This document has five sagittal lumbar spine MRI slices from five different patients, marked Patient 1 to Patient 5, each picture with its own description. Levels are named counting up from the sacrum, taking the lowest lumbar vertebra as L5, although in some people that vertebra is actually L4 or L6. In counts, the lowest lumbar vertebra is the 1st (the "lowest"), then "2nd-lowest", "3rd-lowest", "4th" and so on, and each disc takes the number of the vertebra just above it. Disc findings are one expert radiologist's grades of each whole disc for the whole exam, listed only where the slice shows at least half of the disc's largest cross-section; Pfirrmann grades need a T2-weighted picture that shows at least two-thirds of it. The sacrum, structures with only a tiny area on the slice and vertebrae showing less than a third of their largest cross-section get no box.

Patient 1 of 5:
Sagittal slice index 19. Image 448x448. Sagittal T1-weighted lumbar spine MRI. Field of view 280x280 mm.
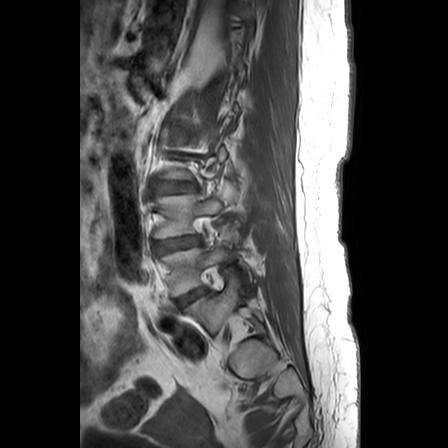

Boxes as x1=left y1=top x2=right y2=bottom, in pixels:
L3 at x1=155 y1=195 x2=223 y2=238, L2/L3 at x1=163 y1=186 x2=192 y2=192, L3/L4 at x1=154 y1=237 x2=200 y2=253, L4 vertebra at x1=162 y1=233 x2=249 y2=296, L5 at x1=186 y1=269 x2=263 y2=334, L4/L5 at x1=178 y1=290 x2=203 y2=305.

Per-level radiological findings:
• L3/L4: disc bulging, lower-endplate change, upper-endplate change

Patient 2 of 5:
Sagittal T2 SPACE (3D) lumbar spine MRI | Slice 29/120 | 512x640 px
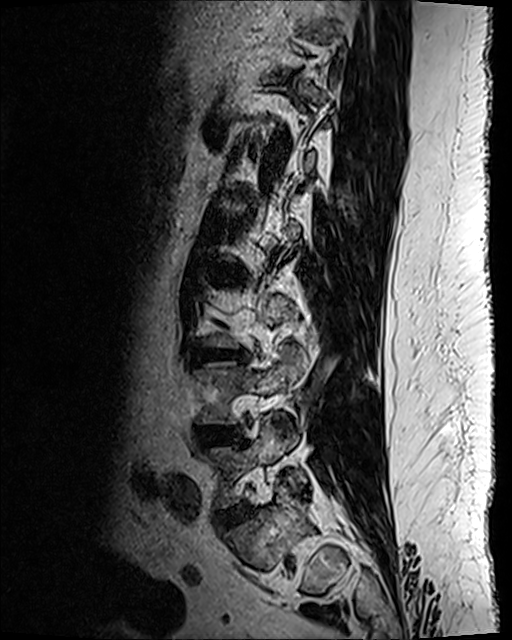

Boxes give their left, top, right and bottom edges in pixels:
L3/L4 (3rd-lowest disc): left=196, top=351, right=243, bottom=361
IVD L4/L5 (2nd-lowest disc): left=198, top=426, right=236, bottom=442
L5 (lowest vertebra): left=209, top=417, right=305, bottom=507
IVD L5/S1 (lowest disc): left=218, top=508, right=246, bottom=523
L4 (2nd-lowest vertebra): left=199, top=350, right=306, bottom=424

Patient 3 of 5:
T2-weighted sagittal MRI of the lumbar spine | Scanner: Philips Medical Systems Ingenia (1.5T) | Slice spacing 4.4 mm | Sagittal slice index 13 | 800x797 px 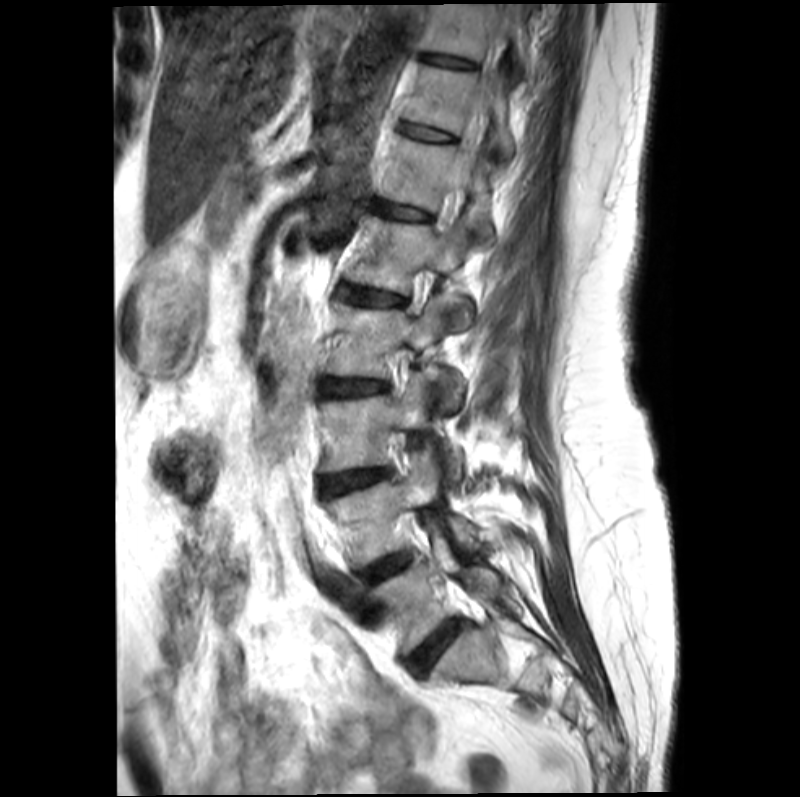
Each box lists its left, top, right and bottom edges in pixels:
7th vertebra at left=401, top=65, right=513, bottom=157; 4th disc at left=317, top=378, right=386, bottom=397; 4th vertebra at left=325, top=295, right=461, bottom=409; 5th disc at left=340, top=285, right=402, bottom=305; 3rd-lowest vertebra at left=317, top=368, right=461, bottom=480; 6th vertebra at left=377, top=134, right=490, bottom=237; lowest vertebra at left=367, top=535, right=491, bottom=657; 5th vertebra at left=346, top=207, right=478, bottom=326; 8th disc at left=421, top=52, right=474, bottom=67; 2nd-lowest vertebra at left=328, top=444, right=475, bottom=566; 7th disc at left=400, top=124, right=452, bottom=140; lowest disc at left=408, top=618, right=462, bottom=675; 3rd-lowest disc at left=319, top=467, right=387, bottom=496; spinal canal at left=445, top=18, right=513, bottom=224; 8th vertebra at left=419, top=4, right=527, bottom=69; 6th disc at left=372, top=201, right=428, bottom=219; 2nd-lowest disc at left=349, top=553, right=409, bottom=596.

Per-level radiological findings:
• 2nd-lowest disc: Modic type II
• lowest disc: Pfirrmann grade 2, Modic type II
• 3rd-lowest disc: Pfirrmann grade 3, upper-endplate change, Modic type II, disc narrowing, disc bulging, lower-endplate change
• 6th disc: Pfirrmann grade 2, Modic type II
• 4th disc: Pfirrmann grade 3, lower-endplate change, disc bulging, Modic type II, upper-endplate change
• 5th disc: Pfirrmann grade 2, Modic type II, upper-endplate change, lower-endplate change
• 7th disc: Pfirrmann grade 2
• 8th disc: no herniation, bulging, narrowing, spondylolisthesis, endplate or Modic change recorded

Patient 4 of 5:
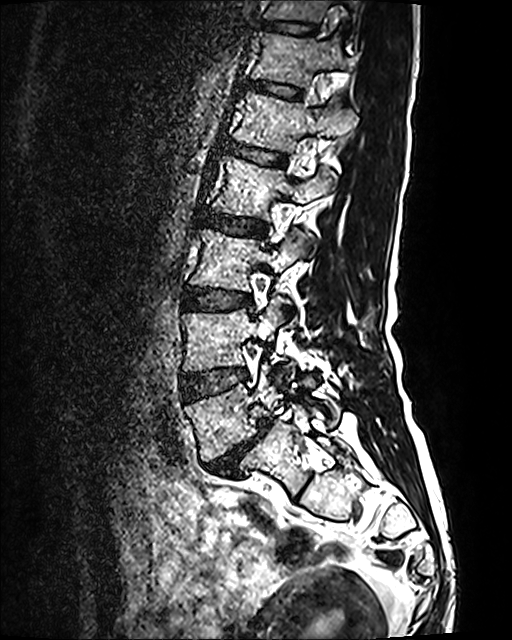
MRI lumbar spine (T2 SPACE (3D)), sagittal plane

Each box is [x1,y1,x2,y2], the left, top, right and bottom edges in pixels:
7th vertebra: [263,0,358,21] | 5th vertebra: [231,92,355,152] | 3rd-lowest disc: [182,288,249,309] | 4th vertebra: [211,155,334,220] | 6th disc: [248,81,299,98] | 3rd-lowest vertebra: [190,228,300,290] | lowest vertebra: [185,368,340,461] | 2nd-lowest vertebra: [181,299,295,381] | 6th vertebra: [252,32,354,86] | 5th disc: [224,142,286,166] | lowest disc: [205,419,270,475] | 4th disc: [200,211,266,236] | 2nd-lowest disc: [180,368,247,401] | 7th disc: [260,21,316,33]

Expert MSK radiologist gradings (per disc):
• 3rd-lowest disc: Pfirrmann grade 2
• 6th disc: Pfirrmann grade 2
• lowest disc: Pfirrmann grade 5, spondylolisthesis, disc bulging, disc narrowing, Modic type II
• 4th disc: Pfirrmann grade 2
• 5th disc: Pfirrmann grade 2
• 2nd-lowest disc: Pfirrmann grade 2
• 7th disc: Pfirrmann grade 2

Patient 5 of 5:
Sagittal T2-weighted lumbar spine MRI. Image 448x452. Patient sex: F.
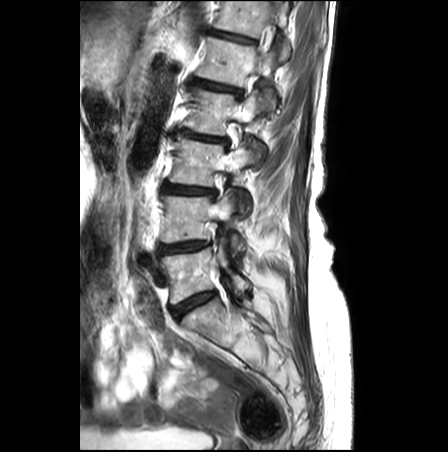

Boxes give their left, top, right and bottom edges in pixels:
L3: left=170, top=136, right=256, bottom=216
L4: left=161, top=189, right=244, bottom=255
disc L5/S1: left=171, top=291, right=215, bottom=319
disc L3/L4: left=163, top=184, right=215, bottom=196
T12: left=214, top=1, right=290, bottom=62
disc L1/L2: left=195, top=79, right=241, bottom=93
disc L2/L3: left=182, top=130, right=227, bottom=143
disc T12/L1: left=210, top=30, right=255, bottom=43
L5: left=162, top=241, right=250, bottom=304
L2: left=183, top=89, right=265, bottom=169
L1: left=197, top=37, right=276, bottom=108
L4/L5: left=159, top=241, right=208, bottom=254

Per-level radiological findings:
• L3/L4: Pfirrmann grade 3, upper-endplate change, disc bulging, lower-endplate change, disc narrowing, Modic type II
• L1/L2: Pfirrmann grade 3, disc bulging, upper-endplate change, lower-endplate change
• T12/L1: Pfirrmann grade 3, upper-endplate change, lower-endplate change
• L4/L5: Pfirrmann grade 3, Modic type II, lower-endplate change, disc narrowing, disc bulging, upper-endplate change
• L2/L3: Modic type II, disc narrowing, upper-endplate change, disc bulging, lower-endplate change
• L5/S1: Pfirrmann grade 3